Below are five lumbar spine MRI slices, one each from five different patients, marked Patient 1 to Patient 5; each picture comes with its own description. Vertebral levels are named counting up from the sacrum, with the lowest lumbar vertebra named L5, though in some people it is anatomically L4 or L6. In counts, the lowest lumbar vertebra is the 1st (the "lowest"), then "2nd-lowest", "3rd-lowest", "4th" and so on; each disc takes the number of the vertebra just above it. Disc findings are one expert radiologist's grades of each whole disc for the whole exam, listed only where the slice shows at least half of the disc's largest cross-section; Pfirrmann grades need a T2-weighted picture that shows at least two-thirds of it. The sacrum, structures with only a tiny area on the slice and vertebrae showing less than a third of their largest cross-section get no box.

Patient 1 of 5:
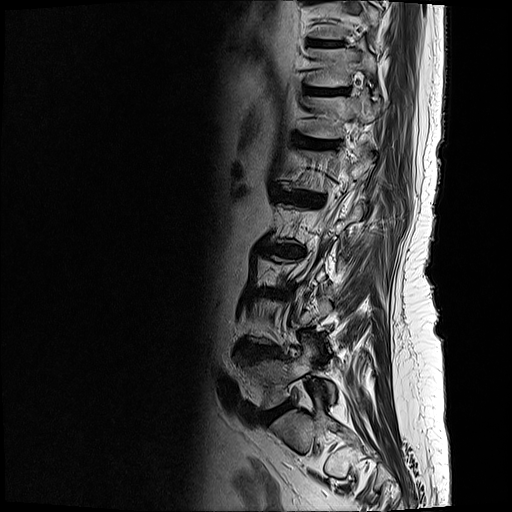 T2-weighted sagittal MRI of the lumbar spine; Slice 4 of 21

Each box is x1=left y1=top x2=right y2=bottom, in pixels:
Lowest disc: x1=262 y1=403 x2=290 y2=423.
7th vertebra: x1=306 y1=47 x2=376 y2=86.
7th disc: x1=309 y1=89 x2=349 y2=94.
8th disc: x1=309 y1=39 x2=341 y2=46.
5th disc: x1=280 y1=192 x2=323 y2=205.
6th vertebra: x1=304 y1=91 x2=380 y2=138.
2nd-lowest disc: x1=238 y1=344 x2=282 y2=361.
6th disc: x1=297 y1=139 x2=338 y2=147.
Lowest vertebra: x1=242 y1=343 x2=334 y2=409.
4th disc: x1=259 y1=241 x2=304 y2=256.

Expert MSK radiologist gradings (per disc):
• 6th disc: Pfirrmann grade 4, upper-endplate change, Modic type II, lower-endplate change
• 4th disc: Pfirrmann grade 5, disc bulging, Modic type II, upper-endplate change, lower-endplate change, disc narrowing
• 5th disc: Pfirrmann grade 5, lower-endplate change, Modic type II, disc bulging, upper-endplate change, disc narrowing
• 7th disc: Pfirrmann grade 4, lower-endplate change, upper-endplate change
• 8th disc: lower-endplate change, upper-endplate change
• 2nd-lowest disc: disc bulging, upper-endplate change, lower-endplate change

Patient 2 of 5:
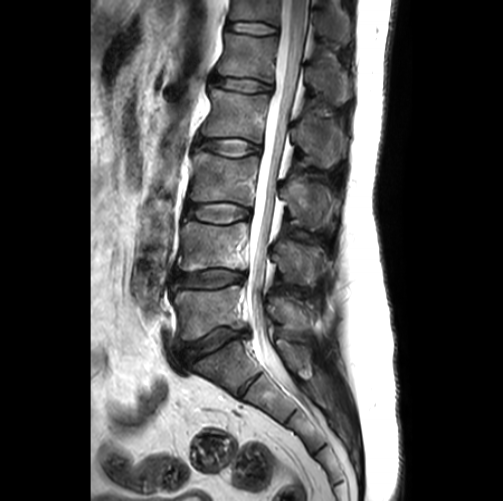
Sex M; MRI lumbar spine (T2-weighted), sagittal plane
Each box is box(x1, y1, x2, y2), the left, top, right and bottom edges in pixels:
IVD L5/S1: box(174, 327, 247, 369)
L5 vertebra: box(173, 285, 309, 339)
L1: box(217, 33, 350, 104)
L4 vertebra: box(177, 222, 326, 282)
T12 vertebra: box(229, 0, 351, 45)
spinal canal: box(247, 0, 308, 386)
IVD L2/L3: box(196, 139, 260, 156)
L1/L2: box(211, 75, 270, 91)
L2 vertebra: box(202, 88, 343, 168)
L3 vertebra: box(190, 151, 332, 227)
IVD L3/L4: box(185, 204, 250, 222)
IVD T12/L1: box(226, 22, 277, 34)
IVD L4/L5: box(169, 270, 244, 292)

Expert MSK radiologist gradings (per disc):
- L2/L3: Pfirrmann grade 2
- L1/L2: Pfirrmann grade 2
- L4/L5: Pfirrmann grade 3, lower-endplate change, Modic type II, upper-endplate change, disc narrowing, disc bulging
- L3/L4: Pfirrmann grade 2
- T12/L1: Pfirrmann grade 1
- L5/S1: Pfirrmann grade 3, disc narrowing, disc bulging

Patient 3 of 5:
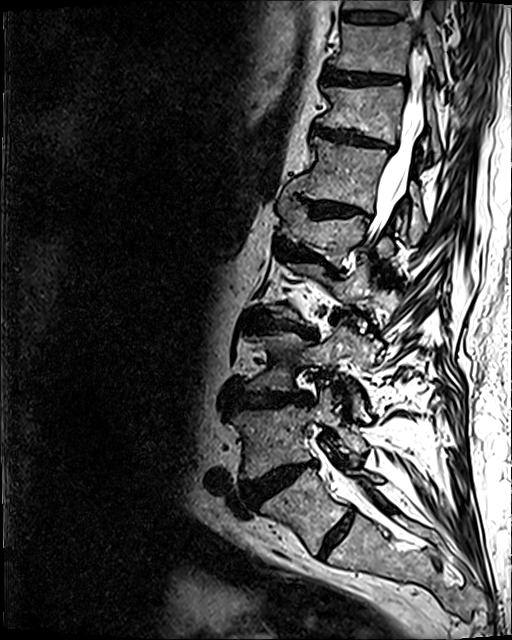 MRI lumbar spine (T2 SPACE (3D)), sagittal plane; Sagittal slice index 79

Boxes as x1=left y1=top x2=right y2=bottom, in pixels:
{"disc L5/S1": "x1=318 y1=511 x2=353 y2=557", "L2/L3": "x1=250 y1=313 x2=315 y2=337", "disc L4/L5": "x1=245 y1=462 x2=314 y2=503", "L3/L4": "x1=232 y1=386 x2=311 y2=411", "T12/L1": "x1=306 y1=201 x2=368 y2=217", "disc T10/T11": "x1=325 y1=69 x2=405 y2=85", "disc T11/T12": "x1=314 y1=125 x2=392 y2=150", "L1 vertebra": "x1=278 y1=193 x2=393 y2=259", "L1/L2": "x1=277 y1=240 x2=329 y2=262", "spinal canal": "x1=347 y1=50 x2=427 y2=489", "L5 vertebra": "x1=261 y1=468 x2=382 y2=553", "T9/T10": "x1=342 y1=11 x2=398 y2=22", "L3 vertebra": "x1=245 y1=325 x2=377 y2=416", "T12 vertebra": "x1=291 y1=137 x2=427 y2=244", "T11": "x1=317 y1=83 x2=439 y2=159", "L4": "x1=234 y1=387 x2=366 y2=478", "T10 vertebra": "x1=330 y1=13 x2=444 y2=84"}

Expert MSK radiologist gradings (per disc):
  T11/T12: Pfirrmann grade 4, disc narrowing, upper-endplate change, disc bulging, lower-endplate change
  T9/T10: Pfirrmann grade 3, lower-endplate change
  T10/T11: Pfirrmann grade 4, disc bulging, lower-endplate change, upper-endplate change
  T12/L1: disc bulging, upper-endplate change, disc narrowing, lower-endplate change
  L3/L4: Pfirrmann grade 4, disc narrowing, upper-endplate change, disc bulging, lower-endplate change
  L2/L3: Modic type II, disc narrowing, upper-endplate change, lower-endplate change, disc bulging
  L4/L5: Pfirrmann grade 5, disc herniation, upper-endplate change, disc narrowing, lower-endplate change, disc bulging, Modic type II
  L5/S1: no spondylolisthesis, narrowing, bulging, herniation, Modic or endplate change recorded

Patient 4 of 5:
Sagittal slice index 70, 618x793 px, Field of view 240x308 mm, slice spacing 0.9 mm, Lumbar spine MR, T2 SPACE (3D), sagittal

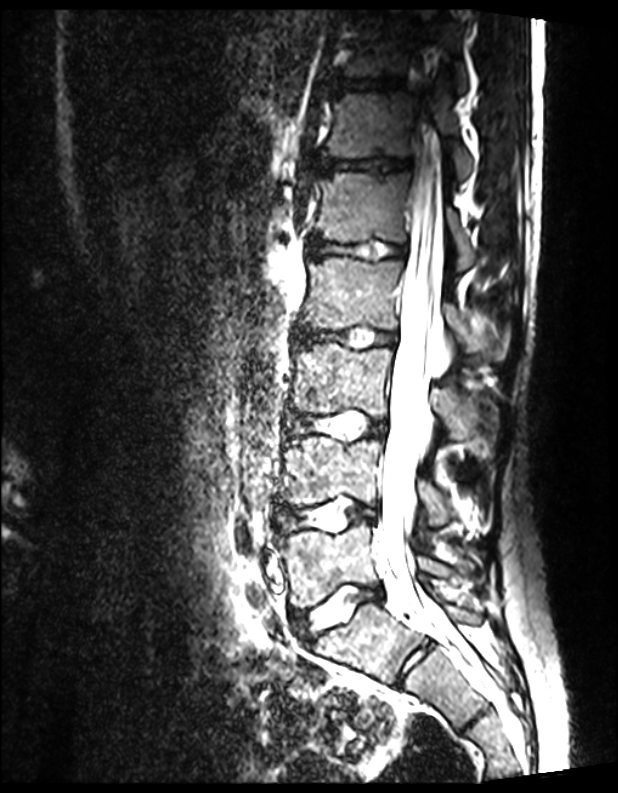
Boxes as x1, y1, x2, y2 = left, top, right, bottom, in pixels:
{"IVD T12/L1": "317, 157, 408, 174", "IVD L5/S1": "295, 585, 381, 640", "spinal canal": "372, 43, 470, 668", "L4 vertebra": "282, 437, 481, 534", "T11/T12": "324, 77, 402, 93", "T11": "337, 10, 467, 91", "T12": "324, 92, 472, 180", "L5": "277, 520, 469, 608", "IVD L2/L3": "293, 326, 396, 348", "IVD L4/L5": "277, 499, 377, 531", "L3/L4": "286, 411, 387, 439", "L1/L2": "309, 237, 405, 260", "L3 vertebra": "292, 343, 496, 450", "L2 vertebra": "300, 257, 511, 361", "L1": "313, 173, 483, 270"}

Expert MSK radiologist gradings (per disc):
  L5/S1: Pfirrmann grade 1
  L3/L4: Pfirrmann grade 1
  L2/L3: Pfirrmann grade 1
  T11/T12: Pfirrmann grade 1
  L1/L2: Pfirrmann grade 1
  T12/L1: Pfirrmann grade 1
  L4/L5: Pfirrmann grade 1

Patient 5 of 5:
Sagittal T2 SPACE (3D) lumbar spine MRI; Scanner: SIEMENS Avanto_fit (1.5T); 526x661 px; Slice 50/124

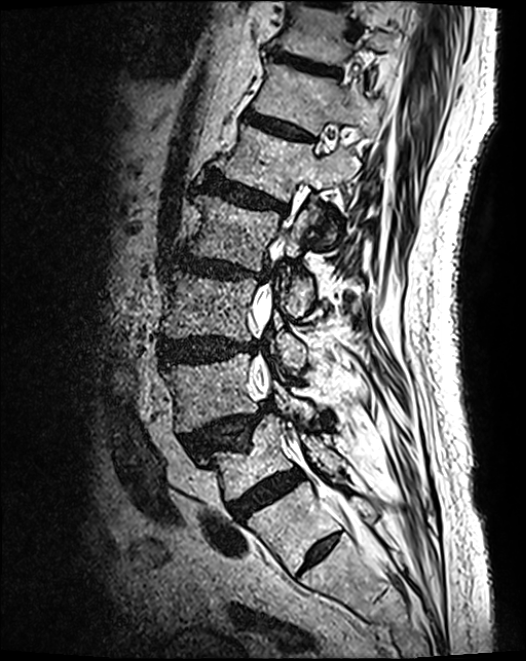 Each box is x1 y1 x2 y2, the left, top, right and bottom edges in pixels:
L3/L4 (3rd-lowest disc): 160 338 258 363
L3 (3rd-lowest vertebra): 161 272 305 371
T11 (7th vertebra): 281 7 393 65
IVD L5/S1 (lowest disc): 229 470 303 520
IVD T12/L1 (6th disc): 245 113 310 141
IVD L1/L2 (5th disc): 206 176 286 213
IVD L2/L3 (4th disc): 172 253 270 282
L2 (4th vertebra): 184 195 325 314
IVD T11/T12 (7th disc): 271 51 338 75
L4 (2nd-lowest vertebra): 165 355 314 432
IVD L4/L5 (2nd-lowest disc): 184 402 273 457
L5 (lowest vertebra): 201 415 342 501
L1 (5th vertebra): 221 127 358 244
T12 (6th vertebra): 254 64 379 134
spinal canal: 254 291 379 553

Expert MSK radiologist gradings (per disc):
- L3/L4 (3rd-lowest disc): Pfirrmann grade 4, disc bulging
- L1/L2 (5th disc): Pfirrmann grade 4, upper-endplate change, disc bulging, lower-endplate change
- L5/S1 (lowest disc): Pfirrmann grade 4
- L2/L3 (4th disc): Pfirrmann grade 4, upper-endplate change, disc narrowing, lower-endplate change, disc bulging
- T11/T12 (7th disc): Pfirrmann grade 3, lower-endplate change
- T12/L1 (6th disc): Pfirrmann grade 3
- L4/L5 (2nd-lowest disc): Pfirrmann grade 4, spondylolisthesis, upper-endplate change, disc herniation